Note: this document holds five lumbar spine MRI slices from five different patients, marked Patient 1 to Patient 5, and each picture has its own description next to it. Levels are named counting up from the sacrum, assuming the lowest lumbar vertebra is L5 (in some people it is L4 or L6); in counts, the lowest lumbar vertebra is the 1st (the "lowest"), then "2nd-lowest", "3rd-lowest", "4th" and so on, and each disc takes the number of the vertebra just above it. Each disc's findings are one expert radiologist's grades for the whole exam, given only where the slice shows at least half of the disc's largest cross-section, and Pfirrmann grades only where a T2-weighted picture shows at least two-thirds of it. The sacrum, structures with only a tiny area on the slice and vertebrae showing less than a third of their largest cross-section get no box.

Patient 1 of 5:
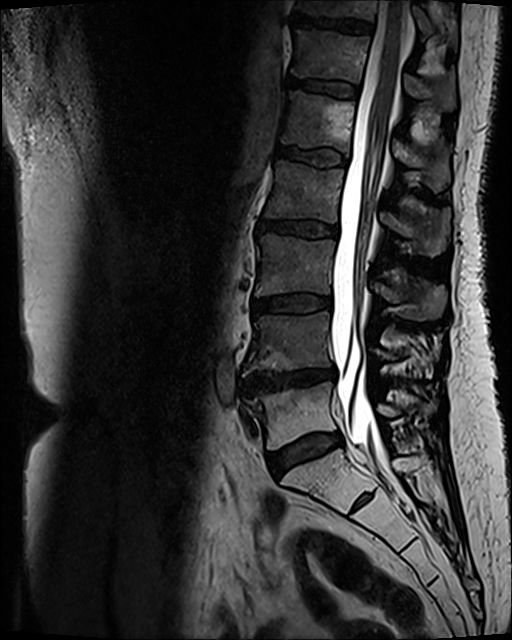 Sex F; MRI lumbar spine (T2 SPACE (3D)), sagittal plane; Slice 69 of 120

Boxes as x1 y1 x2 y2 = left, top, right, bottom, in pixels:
6th disc at 289 79 359 97, 6th vertebra at 292 30 455 110, lowest vertebra at 245 382 435 449, 3rd-lowest disc at 253 296 331 313, 5th disc at 275 146 346 167, 3rd-lowest vertebra at 256 235 446 321, 2nd-lowest disc at 240 369 335 393, 7th disc at 292 15 372 32, 4th vertebra at 266 160 450 256, 4th disc at 257 221 337 237, thecal sac / spinal canal at 331 0 408 458, 2nd-lowest vertebra at 243 312 394 375, 5th vertebra at 281 91 450 191, 7th vertebra at 297 0 455 42, lowest disc at 269 433 342 477.

Radiological gradings:
• 7th disc: Pfirrmann grade 4, upper-endplate change, Modic type II, lower-endplate change
• 6th disc: Pfirrmann grade 3, Modic type II
• 2nd-lowest disc: Pfirrmann grade 4, disc bulging, lower-endplate change, Modic type II, disc narrowing, upper-endplate change
• 4th disc: Pfirrmann grade 3, disc bulging, Modic type II
• lowest disc: Pfirrmann grade 3, disc bulging, Modic type II
• 5th disc: Pfirrmann grade 3, Modic type II
• 3rd-lowest disc: Pfirrmann grade 3, disc bulging, Modic type II

Patient 2 of 5:
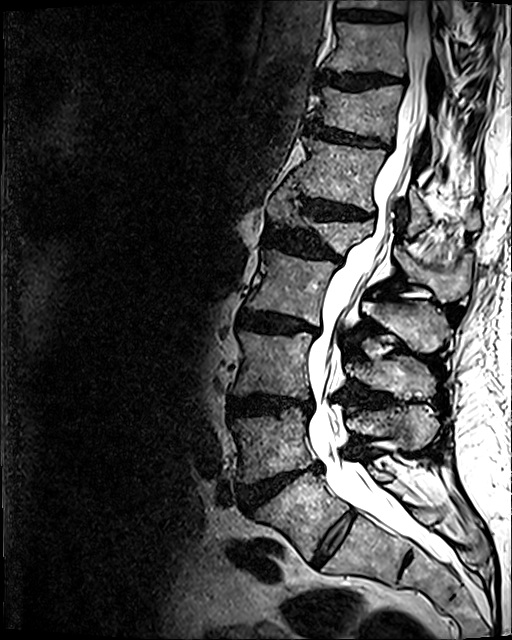
512x640 px, MRI lumbar spine (T2 SPACE (3D)), sagittal plane, Sagittal slice index 61

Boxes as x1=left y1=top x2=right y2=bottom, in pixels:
{"intervertebral disc L2/L3": "x1=239 y1=311 x2=318 y2=334", "T12": "x1=288 y1=137 x2=479 y2=234", "T10/T11": "x1=317 y1=71 x2=400 y2=89", "intervertebral disc L5/S1": "x1=312 y1=509 x2=356 y2=566", "T10": "x1=324 y1=22 x2=450 y2=88", "spinal canal": "x1=307 y1=0 x2=452 y2=561", "intervertebral disc T11/T12": "x1=306 y1=121 x2=386 y2=147", "T11 vertebra": "x1=308 y1=84 x2=438 y2=157", "intervertebral disc T9/T10": "x1=335 y1=10 x2=397 y2=21", "T9 vertebra": "x1=337 y1=0 x2=451 y2=24", "L2": "x1=247 y1=250 x2=451 y2=352", "intervertebral disc L3/L4": "x1=229 y1=394 x2=311 y2=416", "L4/L5": "x1=241 y1=463 x2=322 y2=510", "T12/L1": "x1=298 y1=197 x2=372 y2=219", "L1 vertebra": "x1=268 y1=186 x2=471 y2=302", "intervertebral disc L1/L2": "x1=265 y1=226 x2=341 y2=263", "L4 vertebra": "x1=232 y1=406 x2=437 y2=483", "L5 vertebra": "x1=257 y1=467 x2=392 y2=559", "L3": "x1=230 y1=331 x2=434 y2=398"}

Degenerative findings by level:
• L3/L4: Pfirrmann grade 4, upper-endplate change, lower-endplate change, disc narrowing, disc bulging
• T10/T11: Pfirrmann grade 4, lower-endplate change, disc bulging, upper-endplate change
• L4/L5: Pfirrmann grade 5, Modic type II, lower-endplate change, disc narrowing, disc bulging, upper-endplate change, disc herniation
• T9/T10: Pfirrmann grade 3, lower-endplate change
• L5/S1: Pfirrmann grade 2
• T11/T12: Pfirrmann grade 4, disc bulging, lower-endplate change, upper-endplate change, disc narrowing
• T12/L1: Pfirrmann grade 4, upper-endplate change, disc narrowing, disc bulging, lower-endplate change
• L2/L3: Pfirrmann grade 4, disc bulging, disc narrowing, lower-endplate change, Modic type II, upper-endplate change
• L1/L2: Pfirrmann grade 4, upper-endplate change, disc narrowing, disc bulging, lower-endplate change

Patient 3 of 5:
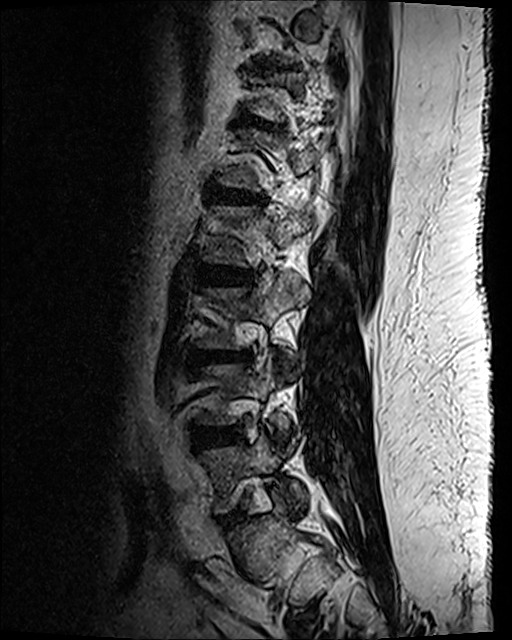 T2 SPACE (3D) sagittal MRI of the lumbar spine, Slice 83/120, Image 512x640, Patient sex: M

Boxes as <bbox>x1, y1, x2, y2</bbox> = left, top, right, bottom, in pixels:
Annotations:
* L3/L4 (3rd-lowest disc) — <bbox>196, 353, 248, 365</bbox>
* disc L2/L3 (4th disc) — <bbox>199, 270, 251, 286</bbox>
* disc L1/L2 (5th disc) — <bbox>208, 185, 262, 205</bbox>
* L5/S1 (lowest disc) — <bbox>219, 511, 241, 525</bbox>
* T11/T12 (7th disc) — <bbox>256, 66, 284, 74</bbox>
* disc L4/L5 (2nd-lowest disc) — <bbox>193, 428, 237, 446</bbox>
* L3 (3rd-lowest vertebra) — <bbox>198, 276, 308, 348</bbox>
* disc T12/L1 (6th disc) — <bbox>243, 117, 277, 131</bbox>
* L5 (lowest vertebra) — <bbox>203, 435, 306, 512</bbox>

Expert MSK radiologist gradings (per disc):
• L1/L2 (5th disc): Modic type II, upper-endplate change, disc narrowing, disc bulging, lower-endplate change

Patient 4 of 5:
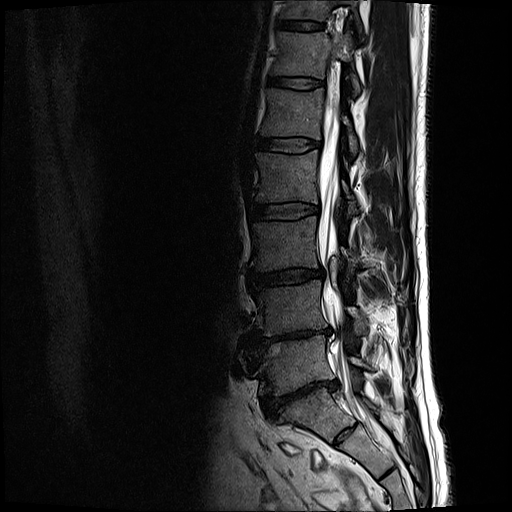
Image 512x512. Sex M. Slice 11 of 17. MRI lumbar spine (T2-weighted), sagittal plane.
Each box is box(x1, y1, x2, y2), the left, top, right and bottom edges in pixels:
L4 vertebra at box(255, 279, 365, 336); T12 at box(271, 32, 361, 92); L5 vertebra at box(258, 336, 370, 395); L1 at box(261, 87, 357, 154); disc T12/L1 at box(269, 76, 325, 89); L1/L2 at box(257, 136, 321, 152); disc L2/L3 at box(250, 203, 317, 219); disc L5/S1 at box(262, 379, 340, 418); T11/T12 at box(274, 20, 324, 31); L3/L4 at box(249, 268, 323, 287); L2 vertebra at box(257, 150, 357, 217); T11 at box(282, 0, 359, 19); L3 vertebra at box(252, 216, 356, 270); disc L4/L5 at box(251, 329, 327, 342); thecal sac / spinal canal at box(317, 96, 386, 446).

Radiological gradings:
• L3/L4: Pfirrmann grade 3, disc narrowing, disc bulging
• L1/L2: Pfirrmann grade 2
• T11/T12: Pfirrmann grade 2
• L2/L3: Pfirrmann grade 2
• T12/L1: Pfirrmann grade 2
• L5/S1: Pfirrmann grade 5, lower-endplate change, disc narrowing, spondylolisthesis, disc bulging

Patient 5 of 5:
Lumbar spine MR, T2-weighted, sagittal, Patient sex: M, Slice 15/30

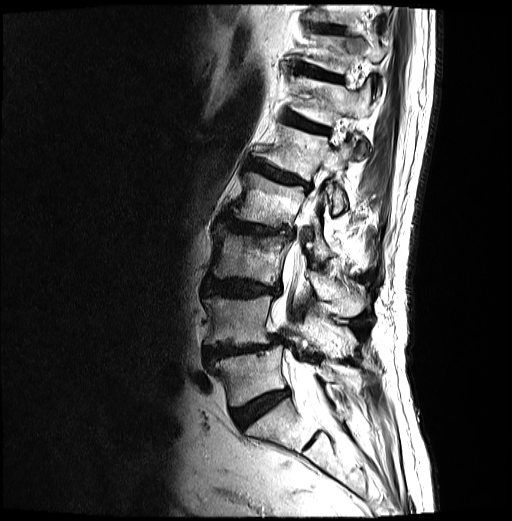

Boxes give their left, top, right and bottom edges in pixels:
T12 at left=288, top=75, right=370, bottom=149; L2/L3 at left=218, top=214, right=293, bottom=239; spinal canal at left=272, top=156, right=337, bottom=418; L5 vertebra at left=213, top=345, right=353, bottom=405; T10/T11 at left=309, top=24, right=344, bottom=33; intervertebral disc L4/L5 at left=205, top=335, right=281, bottom=361; intervertebral disc L5/S1 at left=232, top=389, right=289, bottom=428; L3 at left=210, top=227, right=368, bottom=317; L2 at left=231, top=172, right=333, bottom=259; intervertebral disc L1/L2 at left=246, top=159, right=311, bottom=189; L4 at left=204, top=295, right=349, bottom=348; T12/L1 at left=283, top=112, right=329, bottom=134; T11 vertebra at left=301, top=34, right=384, bottom=73; L1 at left=253, top=125, right=352, bottom=213; L3/L4 at left=204, top=278, right=278, bottom=297; T11/T12 at left=291, top=64, right=342, bottom=81.

Per-level radiological findings:
• T11/T12: Pfirrmann grade 4, disc bulging, upper-endplate change, lower-endplate change
• L5/S1: Pfirrmann grade 4
• L3/L4: Pfirrmann grade 4, disc bulging, lower-endplate change, upper-endplate change
• L4/L5: disc bulging, Modic type II, lower-endplate change, spondylolisthesis, disc herniation, disc narrowing, upper-endplate change
• T12/L1: disc bulging, upper-endplate change, Modic type II, lower-endplate change
• L1/L2: Pfirrmann grade 4, disc bulging, Modic type II, lower-endplate change, upper-endplate change
• L2/L3: Pfirrmann grade 4, Modic type I, upper-endplate change, disc narrowing, lower-endplate change, disc bulging